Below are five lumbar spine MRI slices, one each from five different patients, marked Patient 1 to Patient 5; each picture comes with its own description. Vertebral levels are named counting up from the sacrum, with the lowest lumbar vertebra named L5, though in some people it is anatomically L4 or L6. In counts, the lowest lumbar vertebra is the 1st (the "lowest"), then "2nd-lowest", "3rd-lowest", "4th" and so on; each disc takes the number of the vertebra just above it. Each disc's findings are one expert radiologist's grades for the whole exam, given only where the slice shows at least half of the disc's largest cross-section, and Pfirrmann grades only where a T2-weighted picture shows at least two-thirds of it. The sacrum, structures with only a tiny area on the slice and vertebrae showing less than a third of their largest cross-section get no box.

Patient 1 of 5:
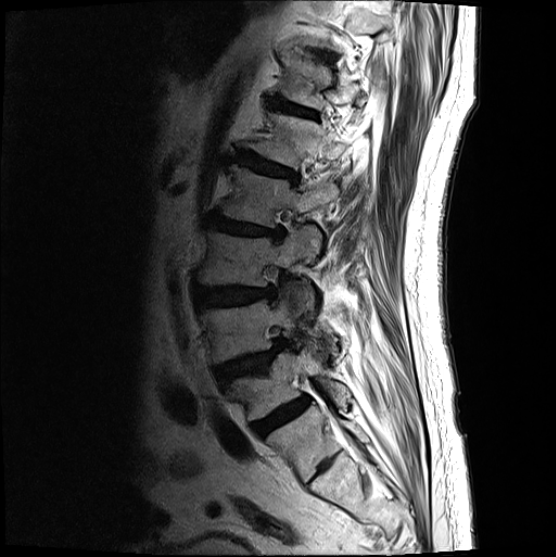 Sagittal T2-weighted lumbar spine MRI, Slice 5 of 20, Slice spacing 3.3 mm, Image 556x557

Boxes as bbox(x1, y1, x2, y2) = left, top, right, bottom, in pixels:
L2 vertebra — bbox(220, 164, 339, 227) | L5 vertebra — bbox(228, 345, 349, 420) | L4 — bbox(201, 296, 296, 363) | disc L1/L2 — bbox(236, 151, 296, 181) | disc L3/L4 — bbox(195, 286, 275, 308) | L3 — bbox(198, 224, 321, 308) | L2/L3 — bbox(207, 214, 283, 239) | disc L5/S1 — bbox(253, 396, 309, 435) | L1 vertebra — bbox(249, 114, 345, 168) | disc L4/L5 — bbox(216, 340, 284, 384) | disc T12/L1 — bbox(276, 99, 317, 118)

Degenerative findings by level:
- L3/L4: Pfirrmann grade 4, disc bulging
- L5/S1: Pfirrmann grade 4
- L1/L2: Pfirrmann grade 4, disc bulging, upper-endplate change, lower-endplate change
- L2/L3: Pfirrmann grade 4, disc bulging, lower-endplate change, upper-endplate change, disc narrowing
- L4/L5: Pfirrmann grade 4, upper-endplate change, spondylolisthesis, disc herniation
- T12/L1: no spondylolisthesis, narrowing, bulging, herniation, Modic or endplate change recorded

Patient 2 of 5:
Slice 7 of 25; Scanner: SIEMENS Avanto_fit (1.5T); 512x512 px; Field of view 300x300 mm, slice spacing 3.3 mm; Lumbar spine MR, T2-weighted, sagittal
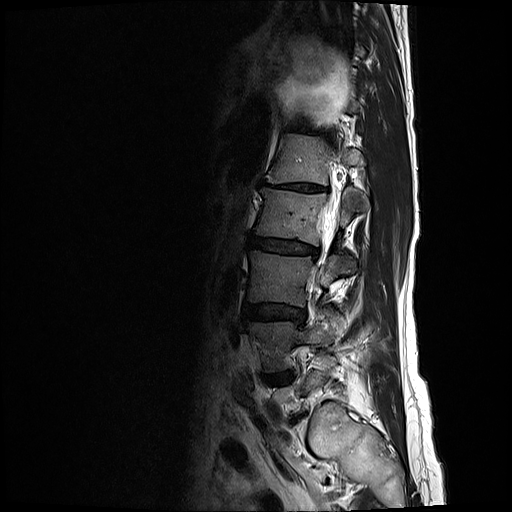 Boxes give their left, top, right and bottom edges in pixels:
- L2/L3: left=250, top=236, right=318, bottom=258
- L4/L5: left=262, top=373, right=293, bottom=382
- disc L3/L4: left=244, top=303, right=306, bottom=322
- disc T12/L1: left=290, top=123, right=309, bottom=131
- disc L1/L2: left=260, top=179, right=329, bottom=193
- L3 vertebra: left=249, top=250, right=354, bottom=307
- L2: left=254, top=188, right=368, bottom=246
- L1 vertebra: left=271, top=133, right=362, bottom=185
- L4: left=247, top=310, right=345, bottom=373

Per-level radiological findings:
  L3/L4: Pfirrmann grade 3, disc bulging
  L2/L3: Pfirrmann grade 3, disc bulging, disc narrowing
  L1/L2: Pfirrmann grade 5, lower-endplate change, disc bulging, disc narrowing, Modic type II, upper-endplate change

Patient 3 of 5:
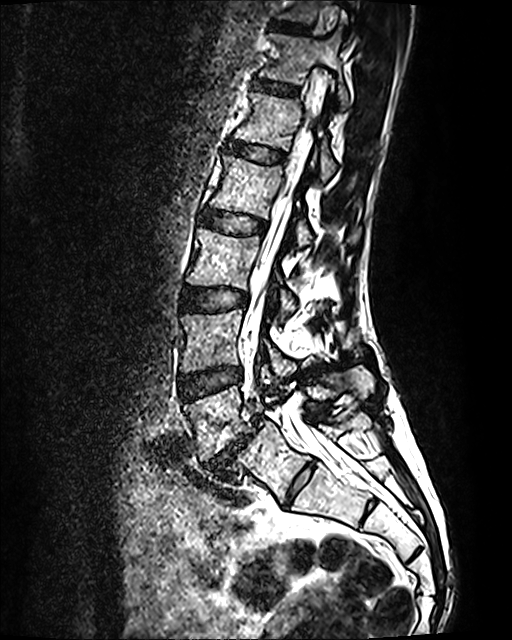
T2 SPACE (3D) sagittal MRI of the lumbar spine | Slice 71/120 | Field of view 240x300 mm

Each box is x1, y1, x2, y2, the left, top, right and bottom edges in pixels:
L1 (5th vertebra) — 235, 92, 336, 183.
L3 (3rd-lowest vertebra) — 187, 228, 295, 321.
T11 (7th vertebra) — 277, 0, 352, 22.
Thecal sac / spinal canal — 242, 96, 349, 469.
Intervertebral disc L2/L3 (4th disc) — 201, 209, 265, 233.
L5/S1 (lowest disc) — 204, 416, 265, 476.
L3/L4 (3rd-lowest disc) — 180, 288, 247, 310.
Intervertebral disc L1/L2 (5th disc) — 230, 142, 283, 162.
Intervertebral disc L4/L5 (2nd-lowest disc) — 179, 367, 241, 400.
L5 (lowest vertebra) — 184, 369, 374, 460.
T12 (6th vertebra) — 260, 32, 350, 110.
L2 (4th vertebra) — 210, 156, 360, 247.
L4 (2nd-lowest vertebra) — 180, 309, 295, 378.
Intervertebral disc T12/L1 (6th disc) — 254, 79, 297, 94.
T11/T12 (7th disc) — 271, 22, 310, 33.

Degenerative findings by level:
• L2/L3 (4th disc): Pfirrmann grade 2
• L4/L5 (2nd-lowest disc): Pfirrmann grade 2
• L5/S1 (lowest disc): Pfirrmann grade 5, spondylolisthesis, disc narrowing, Modic type II, disc bulging
• T12/L1 (6th disc): Pfirrmann grade 2
• L3/L4 (3rd-lowest disc): Pfirrmann grade 2
• L1/L2 (5th disc): Pfirrmann grade 2
• T11/T12 (7th disc): no Modic or endplate change, herniation, narrowing, bulging or spondylolisthesis recorded

Patient 4 of 5:
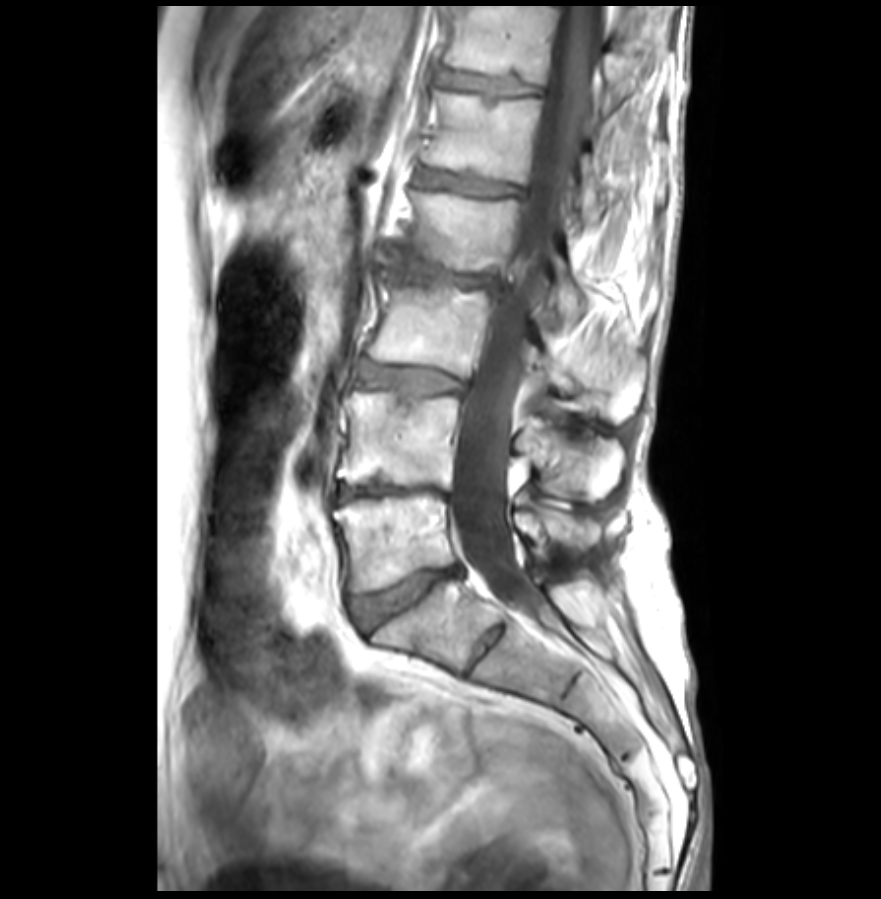 Sagittal T1-weighted lumbar spine MRI | Sex F
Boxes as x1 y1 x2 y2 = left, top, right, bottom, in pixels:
T12 at 446 5 626 115.
Intervertebral disc L3/L4 at 358 362 467 394.
T12/L1 at 433 69 542 95.
L1/L2 at 421 170 526 196.
L5 at 336 491 601 590.
L4 vertebra at 340 393 624 497.
L2 vertebra at 389 190 585 326.
L2/L3 at 376 250 505 297.
L1 at 425 92 609 224.
Spinal canal at 450 5 603 615.
L5/S1 at 350 567 459 628.
L3 vertebra at 370 270 575 392.
Intervertebral disc L4/L5 at 338 482 447 504.

Per-level radiological findings:
- L4/L5: disc bulging, Modic type II, disc narrowing
- L2/L3: lower-endplate change, Modic type II, disc narrowing, upper-endplate change, disc bulging, disc herniation
- L1/L2: lower-endplate change, upper-endplate change, Modic type II
- T12/L1: upper-endplate change, lower-endplate change
- L5/S1: lower-endplate change, upper-endplate change, disc narrowing, disc bulging
- L3/L4: Modic type II, disc bulging

Patient 5 of 5:
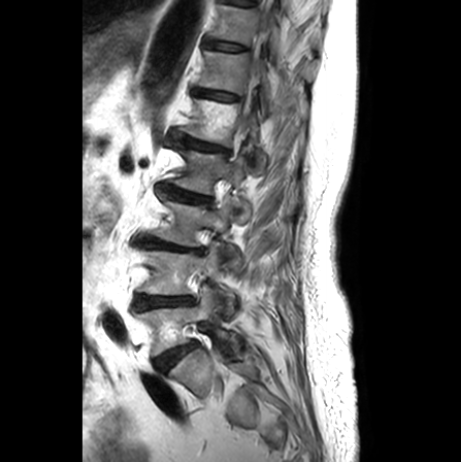
T2-weighted sagittal MRI of the lumbar spine

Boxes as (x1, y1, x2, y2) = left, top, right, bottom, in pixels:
IVD L3/L4 = (136, 237, 203, 253).
L4 = (137, 243, 237, 316).
L5 = (134, 284, 240, 356).
L2/L3 = (159, 184, 211, 203).
T11/T12 = (203, 39, 247, 50).
L1 vertebra = (179, 98, 267, 173).
L2 vertebra = (169, 144, 251, 222).
T11 = (208, 2, 317, 81).
IVD L1/L2 = (171, 132, 228, 151).
Thecal sac / spinal canal = (245, 27, 268, 112).
T12 vertebra = (198, 50, 307, 116).
IVD L4/L5 = (133, 294, 194, 309).
IVD T12/L1 = (193, 88, 239, 100).
L3 = (151, 193, 240, 269).
IVD L5/S1 = (154, 343, 197, 373).

Expert MSK radiologist gradings (per disc):
  T12/L1: Pfirrmann grade 2, upper-endplate change
  T11/T12: Pfirrmann grade 1
  L2/L3: Pfirrmann grade 3, disc narrowing, lower-endplate change, upper-endplate change
  L3/L4: Pfirrmann grade 5, lower-endplate change, disc narrowing, Modic type II, upper-endplate change
  L4/L5: Pfirrmann grade 2, Modic type II, disc narrowing
  L1/L2: Pfirrmann grade 3, upper-endplate change, disc bulging, disc narrowing, lower-endplate change
  L5/S1: Modic type II